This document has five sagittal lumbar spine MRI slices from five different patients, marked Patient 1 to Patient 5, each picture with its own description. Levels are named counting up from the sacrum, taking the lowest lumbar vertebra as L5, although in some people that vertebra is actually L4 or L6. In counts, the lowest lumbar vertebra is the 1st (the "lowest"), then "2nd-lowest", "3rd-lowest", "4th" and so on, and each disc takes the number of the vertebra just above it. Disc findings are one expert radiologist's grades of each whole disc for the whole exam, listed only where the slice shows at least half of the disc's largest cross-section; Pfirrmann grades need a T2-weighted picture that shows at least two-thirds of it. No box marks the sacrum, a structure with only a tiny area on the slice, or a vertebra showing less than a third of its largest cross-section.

Patient 1 of 5:
Patient sex: M. MRI lumbar spine (T1-weighted), sagittal plane. Sagittal slice index 4. Field of view 280x283 mm. Image 448x452.
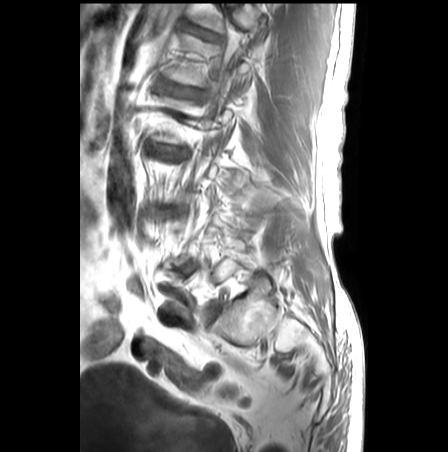 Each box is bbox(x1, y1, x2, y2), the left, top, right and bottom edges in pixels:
5th disc: bbox(159, 80, 201, 98).
6th disc: bbox(185, 25, 219, 39).
4th disc: bbox(147, 144, 185, 157).

Expert MSK radiologist gradings (per disc):
  5th disc: upper-endplate change, disc bulging, lower-endplate change, Modic type II

Patient 2 of 5:
MRI lumbar spine (T1-weighted), sagittal plane, 384x384 px, Sagittal slice index 13 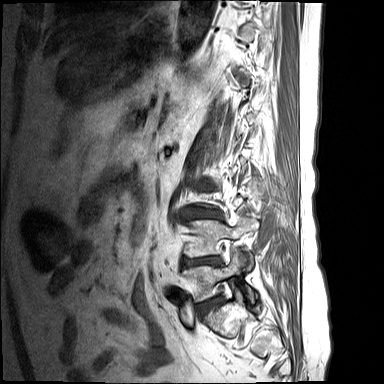

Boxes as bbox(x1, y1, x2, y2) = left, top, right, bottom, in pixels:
Intervertebral disc L4/L5 (2nd-lowest disc) — bbox(182, 256, 222, 266).
Intervertebral disc L3/L4 (3rd-lowest disc) — bbox(181, 209, 223, 219).
L4 (2nd-lowest vertebra) — bbox(183, 217, 254, 269).
L5/S1 (lowest disc) — bbox(197, 296, 223, 316).
L5 (lowest vertebra) — bbox(182, 251, 253, 302).

Per-level radiological findings:
- L3/L4 (3rd-lowest disc): lower-endplate change, disc narrowing, upper-endplate change, disc bulging
- L4/L5 (2nd-lowest disc): disc narrowing, disc bulging, lower-endplate change, upper-endplate change

Patient 3 of 5:
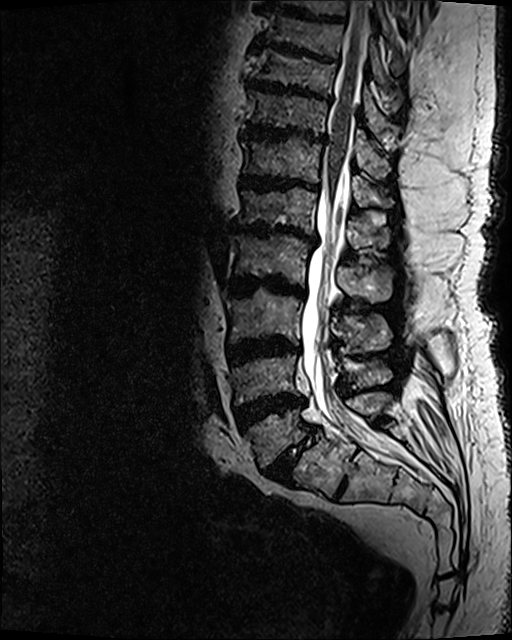 Slice spacing 0.9 mm. 512x640 px. Patient sex: M. Lumbar spine MR, T2 SPACE (3D), sagittal.
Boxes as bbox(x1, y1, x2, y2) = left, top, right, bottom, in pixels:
Spinal canal at bbox(301, 1, 392, 454); lowest disc at bbox(264, 425, 315, 482); 2nd-lowest disc at bbox(233, 393, 308, 432); 6th vertebra at bbox(241, 135, 394, 207); 5th vertebra at bbox(237, 185, 392, 249); 3rd-lowest vertebra at bbox(225, 288, 392, 349); 4th vertebra at bbox(233, 233, 396, 303); 4th disc at bbox(230, 273, 304, 298); 7th disc at bbox(241, 122, 326, 142); 9th disc at bbox(250, 44, 340, 63); 7th vertebra at bbox(246, 90, 390, 179); 3rd-lowest disc at bbox(227, 336, 299, 364); 8th disc at bbox(247, 78, 331, 104); 2nd-lowest vertebra at bbox(233, 355, 391, 403); 5th disc at bbox(232, 223, 319, 244); lowest vertebra at bbox(245, 390, 394, 467); 8th vertebra at bbox(250, 48, 396, 142); 6th disc at bbox(238, 175, 319, 192).

Expert MSK radiologist gradings (per disc):
• 3rd-lowest disc: Pfirrmann grade 5, Modic type II, upper-endplate change, disc bulging, disc narrowing, lower-endplate change
• 9th disc: Pfirrmann grade 5, lower-endplate change, upper-endplate change, disc bulging, disc narrowing, Modic type II
• 5th disc: Pfirrmann grade 5, disc bulging, disc narrowing, lower-endplate change, Modic type II, upper-endplate change
• 4th disc: Pfirrmann grade 5, disc bulging, disc narrowing, Modic type II, lower-endplate change, upper-endplate change
• 7th disc: Pfirrmann grade 5, upper-endplate change, lower-endplate change, disc bulging, disc narrowing, Modic type II
• lowest disc: Pfirrmann grade 5, spondylolisthesis, lower-endplate change, Modic type II, disc bulging, disc narrowing, upper-endplate change
• 2nd-lowest disc: Pfirrmann grade 5, Modic type II, disc narrowing, upper-endplate change, disc bulging, lower-endplate change
• 8th disc: Modic type II, lower-endplate change, disc narrowing, disc bulging, upper-endplate change
• 6th disc: Pfirrmann grade 5, upper-endplate change, disc bulging, Modic type II, disc narrowing, lower-endplate change

Patient 4 of 5:
Slice spacing 3.3 mm | Sex M | Lumbar spine MR, T2-weighted, sagittal
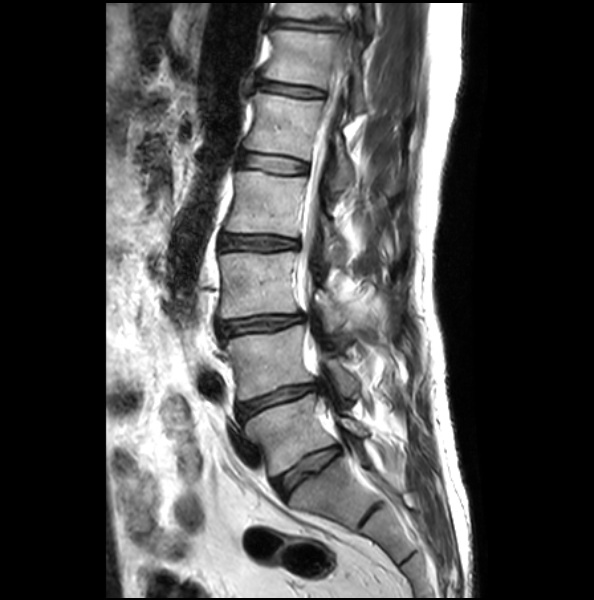

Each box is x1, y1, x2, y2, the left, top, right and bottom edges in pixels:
2nd-lowest disc at 236, 384, 319, 421; 5th disc at 241, 153, 307, 174; 6th vertebra at 262, 26, 366, 112; lowest disc at 273, 445, 340, 499; 4th vertebra at 225, 171, 348, 264; 4th disc at 221, 235, 297, 251; 3rd-lowest disc at 217, 314, 303, 337; 3rd-lowest vertebra at 219, 251, 349, 332; 5th vertebra at 244, 92, 354, 198; 7th vertebra at 278, 3, 374, 30; 6th disc at 259, 82, 324, 97; lowest vertebra at 244, 393, 369, 476; 2nd-lowest vertebra at 223, 325, 361, 401; spinal canal at 298, 62, 349, 344; 7th disc at 274, 20, 344, 32.

Expert MSK radiologist gradings (per disc):
- 2nd-lowest disc: Pfirrmann grade 2, disc narrowing, lower-endplate change, disc bulging
- 4th disc: Pfirrmann grade 2, disc bulging, disc narrowing
- 6th disc: Pfirrmann grade 2, upper-endplate change, disc bulging
- 3rd-lowest disc: Pfirrmann grade 2, disc narrowing, disc bulging
- 7th disc: Pfirrmann grade 1, lower-endplate change, upper-endplate change, disc bulging
- lowest disc: Pfirrmann grade 1, lower-endplate change, upper-endplate change
- 5th disc: Pfirrmann grade 1, upper-endplate change

Patient 5 of 5:
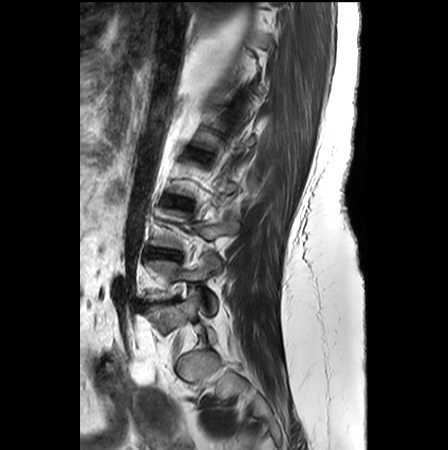 Sagittal T2-weighted lumbar spine MRI; Slice 7 of 26

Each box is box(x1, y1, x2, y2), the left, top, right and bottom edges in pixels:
{"L5/S1 (lowest disc)": "box(143, 297, 178, 305)", "L5 (lowest vertebra)": "box(146, 253, 222, 313)", "L3/L4 (3rd-lowest disc)": "box(165, 196, 191, 207)", "L4/L5 (2nd-lowest disc)": "box(147, 247, 179, 259)"}